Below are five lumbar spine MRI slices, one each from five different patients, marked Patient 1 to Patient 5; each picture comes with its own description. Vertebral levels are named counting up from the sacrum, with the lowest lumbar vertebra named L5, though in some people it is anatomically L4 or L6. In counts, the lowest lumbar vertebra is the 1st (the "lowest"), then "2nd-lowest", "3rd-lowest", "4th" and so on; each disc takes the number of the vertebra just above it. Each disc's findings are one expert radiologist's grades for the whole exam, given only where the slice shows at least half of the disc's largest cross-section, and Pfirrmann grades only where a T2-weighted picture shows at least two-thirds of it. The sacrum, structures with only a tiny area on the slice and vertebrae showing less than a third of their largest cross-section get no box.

Patient 1 of 5:
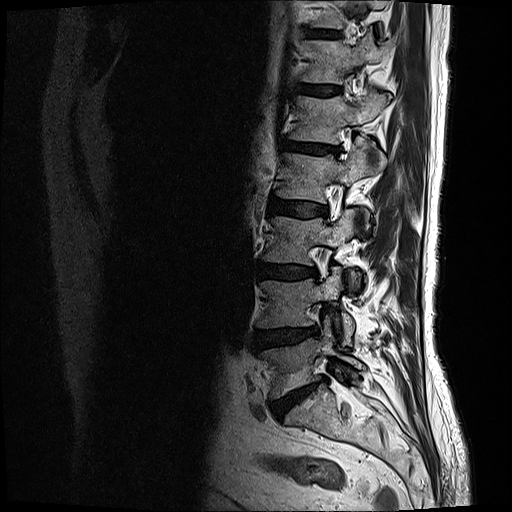 Sagittal T2-weighted lumbar spine MRI. Sagittal slice index 15.

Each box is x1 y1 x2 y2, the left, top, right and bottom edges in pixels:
Structures:
• 5th disc — 286 141 339 153
• 7th vertebra — 311 0 387 28
• 4th vertebra — 278 149 387 218
• 3rd-lowest vertebra — 264 209 358 264
• lowest vertebra — 263 326 367 398
• 7th disc — 304 30 341 37
• 4th disc — 270 197 326 218
• 5th vertebra — 292 93 389 144
• lowest disc — 271 379 325 418
• 2nd-lowest disc — 255 326 317 350
• 2nd-lowest vertebra — 258 267 354 345
• 6th vertebra — 302 33 393 84
• 6th disc — 300 85 339 95
• 3rd-lowest disc — 257 262 316 278

Radiological gradings:
• 5th disc: disc bulging, upper-endplate change, lower-endplate change, Modic type II, disc narrowing
• lowest disc: disc narrowing, Modic type II, disc bulging, lower-endplate change
• 3rd-lowest disc: Pfirrmann grade 4, Modic type II, lower-endplate change, disc narrowing, disc bulging
• 4th disc: Pfirrmann grade 3, disc bulging
• 2nd-lowest disc: Pfirrmann grade 4, disc herniation, disc bulging
• 6th disc: no Modic or endplate change, herniation, narrowing, bulging or spondylolisthesis recorded

Patient 2 of 5:
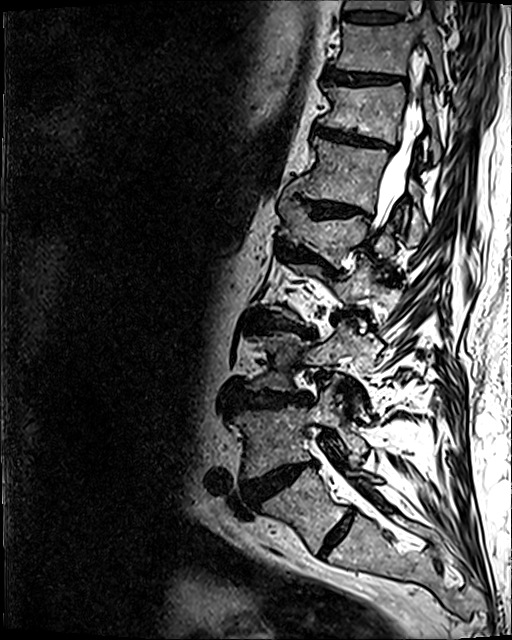 Lumbar spine MR, T2 SPACE (3D), sagittal, Sex M, Image 512x640, Slice 81 of 120
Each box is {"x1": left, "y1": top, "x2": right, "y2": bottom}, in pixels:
L3 vertebra at {"x1": 249, "y1": 324, "x2": 378, "y2": 392}, L1/L2 at {"x1": 279, "y1": 241, "x2": 322, "y2": 266}, L1 vertebra at {"x1": 280, "y1": 195, "x2": 399, "y2": 258}, T10 at {"x1": 334, "y1": 13, "x2": 444, "y2": 87}, L2/L3 at {"x1": 252, "y1": 314, "x2": 312, "y2": 336}, IVD T9/T10 at {"x1": 344, "y1": 11, "x2": 398, "y2": 22}, L5 vertebra at {"x1": 262, "y1": 468, "x2": 381, "y2": 551}, IVD L4/L5 at {"x1": 245, "y1": 462, "x2": 314, "y2": 501}, IVD L3/L4 at {"x1": 234, "y1": 386, "x2": 311, "y2": 410}, thecal sac / spinal canal at {"x1": 379, "y1": 108, "x2": 419, "y2": 218}, T12/L1 at {"x1": 307, "y1": 201, "x2": 369, "y2": 217}, T11 at {"x1": 320, "y1": 83, "x2": 439, "y2": 160}, IVD T10/T11 at {"x1": 326, "y1": 69, "x2": 405, "y2": 85}, L4 at {"x1": 235, "y1": 377, "x2": 366, "y2": 477}, T11/T12 at {"x1": 316, "y1": 125, "x2": 393, "y2": 150}, L5/S1 at {"x1": 320, "y1": 512, "x2": 352, "y2": 555}, T12 at {"x1": 293, "y1": 137, "x2": 427, "y2": 244}.

Per-level radiological findings:
  T12/L1: upper-endplate change, disc narrowing, disc bulging, lower-endplate change
  L4/L5: Pfirrmann grade 5, disc bulging, disc narrowing, disc herniation, Modic type II, lower-endplate change, upper-endplate change
  T11/T12: upper-endplate change, lower-endplate change, disc bulging, disc narrowing
  L3/L4: Pfirrmann grade 4, disc narrowing, upper-endplate change, disc bulging, lower-endplate change
  T10/T11: Pfirrmann grade 4, lower-endplate change, disc bulging, upper-endplate change
  T9/T10: Pfirrmann grade 3, lower-endplate change

Patient 3 of 5:
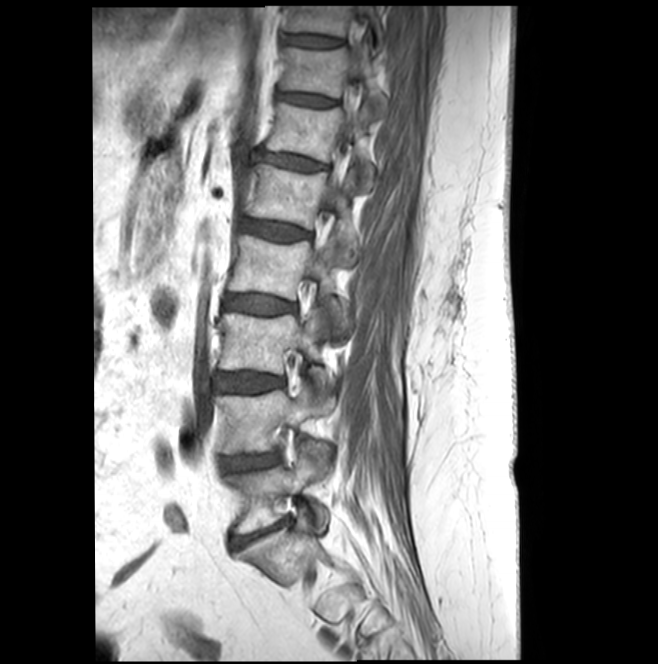 Lumbar spine MR, T1-weighted, sagittal | Patient sex: F
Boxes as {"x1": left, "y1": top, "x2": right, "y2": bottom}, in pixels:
L1/L2 (5th disc): {"x1": 241, "y1": 219, "x2": 309, "y2": 240}
L1 (5th vertebra): {"x1": 248, "y1": 165, "x2": 356, "y2": 256}
intervertebral disc L2/L3 (4th disc): {"x1": 224, "y1": 294, "x2": 295, "y2": 314}
T10/T11 (8th disc): {"x1": 284, "y1": 34, "x2": 341, "y2": 47}
T11 (7th vertebra): {"x1": 280, "y1": 48, "x2": 386, "y2": 112}
intervertebral disc T11/T12 (7th disc): {"x1": 278, "y1": 92, "x2": 334, "y2": 106}
intervertebral disc T12/L1 (6th disc): {"x1": 255, "y1": 152, "x2": 323, "y2": 170}
spinal canal: {"x1": 326, "y1": 181, "x2": 337, "y2": 212}
T12 (6th vertebra): {"x1": 266, "y1": 103, "x2": 373, "y2": 186}
T10 (8th vertebra): {"x1": 286, "y1": 6, "x2": 382, "y2": 42}
L4/L5 (2nd-lowest disc): {"x1": 222, "y1": 455, "x2": 278, "y2": 470}
L4 (2nd-lowest vertebra): {"x1": 216, "y1": 384, "x2": 328, "y2": 458}
L3 (3rd-lowest vertebra): {"x1": 220, "y1": 308, "x2": 332, "y2": 390}
L3/L4 (3rd-lowest disc): {"x1": 215, "y1": 373, "x2": 282, "y2": 391}
L2 (4th vertebra): {"x1": 229, "y1": 235, "x2": 346, "y2": 322}
intervertebral disc L5/S1 (lowest disc): {"x1": 234, "y1": 520, "x2": 284, "y2": 543}
L5 (lowest vertebra): {"x1": 225, "y1": 450, "x2": 328, "y2": 533}

Radiological gradings:
- L3/L4 (3rd-lowest disc): Modic type II
- L4/L5 (2nd-lowest disc): disc narrowing
- T12/L1 (6th disc): disc bulging
- T10/T11 (8th disc), L2/L3 (4th disc), T11/T12 (7th disc), L1/L2 (5th disc): no herniation, bulging, narrowing, spondylolisthesis, endplate or Modic change recorded

Patient 4 of 5:
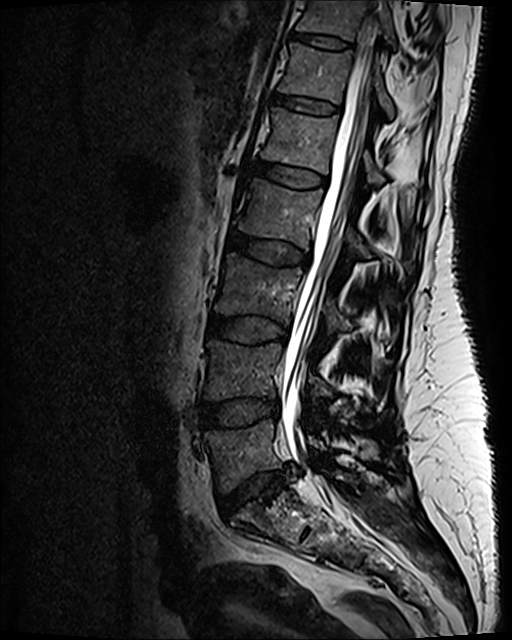

Image 512x640. Field of view 240x300 mm, slice spacing 0.9 mm. MRI lumbar spine (T2 SPACE (3D)), sagittal plane.
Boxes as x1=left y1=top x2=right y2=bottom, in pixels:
intervertebral disc T11/T12: x1=291 y1=32 x2=353 y2=50 | L4/L5: x1=201 y1=399 x2=280 y2=426 | L4: x1=204 y1=340 x2=370 y2=411 | spinal canal: x1=282 y1=18 x2=374 y2=502 | intervertebral disc L5/S1: x1=221 y1=472 x2=287 y2=519 | L2 vertebra: x1=233 y1=179 x2=412 y2=273 | L3/L4: x1=208 y1=315 x2=287 y2=343 | L1/L2: x1=251 y1=160 x2=326 y2=187 | intervertebral disc L2/L3: x1=227 y1=232 x2=310 y2=265 | T11 vertebra: x1=296 y1=0 x2=396 y2=52 | T12: x1=279 y1=43 x2=393 y2=117 | L3: x1=214 y1=254 x2=350 y2=330 | L5 vertebra: x1=204 y1=421 x2=378 y2=491 | L1: x1=261 y1=108 x2=383 y2=184 | T12/L1: x1=273 y1=94 x2=339 y2=113

Degenerative findings by level:
  L5/S1: Pfirrmann grade 3, upper-endplate change, disc narrowing, lower-endplate change, disc herniation
  T11/T12: Pfirrmann grade 2
  L3/L4: Pfirrmann grade 3
  T12/L1: Pfirrmann grade 2
  L1/L2: Pfirrmann grade 2
  L2/L3: Pfirrmann grade 3, disc bulging
  L4/L5: Pfirrmann grade 3, disc bulging

Patient 5 of 5:
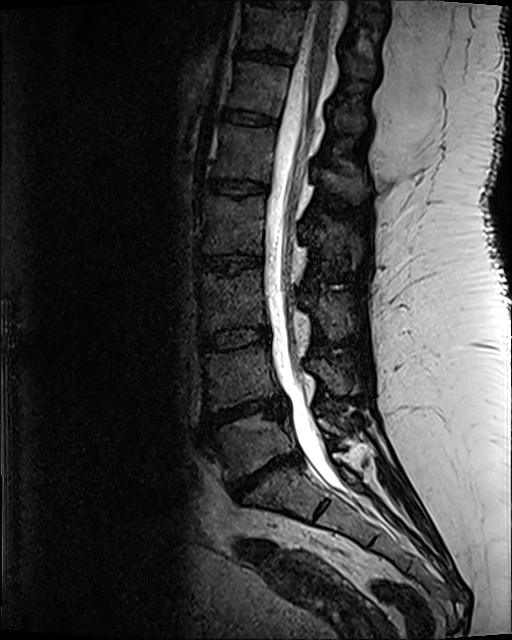
Sagittal T2 SPACE (3D) lumbar spine MRI; Sagittal slice index 59; Patient sex: F

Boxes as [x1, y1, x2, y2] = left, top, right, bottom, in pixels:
6th disc at [223, 109, 276, 123].
3rd-lowest vertebra at [198, 271, 356, 337].
8th disc at [254, 0, 308, 6].
5th disc at [207, 178, 267, 194].
2nd-lowest vertebra at [205, 347, 349, 409].
Spinal canal at [265, 1, 345, 490].
4th disc at [197, 255, 262, 273].
3rd-lowest disc at [201, 328, 269, 350].
4th vertebra at [202, 197, 362, 269].
Lowest disc at [229, 452, 301, 499].
7th disc at [238, 49, 289, 62].
5th vertebra at [212, 124, 367, 204].
Lowest vertebra at [212, 414, 344, 477].
2nd-lowest disc at [206, 397, 287, 423].
7th vertebra at [242, 5, 374, 77].
6th vertebra at [229, 63, 364, 132].

Per-level radiological findings:
• 7th disc: Pfirrmann grade 3, lower-endplate change
• 4th disc: Pfirrmann grade 3, upper-endplate change, lower-endplate change
• 5th disc: Pfirrmann grade 3, lower-endplate change
• 3rd-lowest disc: Pfirrmann grade 3
• 2nd-lowest disc: Pfirrmann grade 5, disc herniation, Modic type II, upper-endplate change, lower-endplate change, disc narrowing
• lowest disc: Pfirrmann grade 5, disc herniation, disc narrowing, upper-endplate change, lower-endplate change, Modic type II
• 6th disc: Pfirrmann grade 3